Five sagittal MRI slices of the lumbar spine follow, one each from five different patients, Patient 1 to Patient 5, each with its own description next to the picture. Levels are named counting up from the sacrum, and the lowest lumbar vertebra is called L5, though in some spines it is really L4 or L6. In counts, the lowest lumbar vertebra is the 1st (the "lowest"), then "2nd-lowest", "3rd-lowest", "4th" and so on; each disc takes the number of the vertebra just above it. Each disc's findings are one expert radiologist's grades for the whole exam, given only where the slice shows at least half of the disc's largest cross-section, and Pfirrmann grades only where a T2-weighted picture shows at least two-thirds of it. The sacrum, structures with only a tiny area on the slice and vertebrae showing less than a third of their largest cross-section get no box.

Patient 1 of 5:
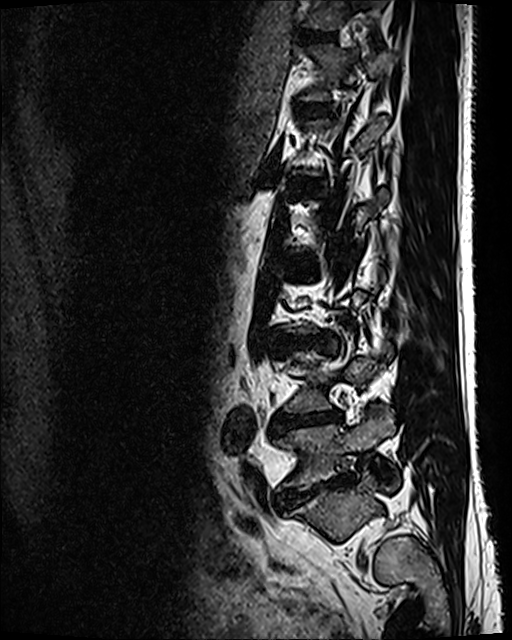 Sagittal T2 SPACE (3D) lumbar spine MRI | Patient sex: M

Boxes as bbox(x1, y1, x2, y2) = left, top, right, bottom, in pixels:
T11/T12: bbox(296, 30, 335, 42)
IVD L5/S1: bbox(276, 479, 345, 505)
T12/L1: bbox(303, 105, 327, 112)
L5 vertebra: bbox(275, 413, 398, 491)
T11 vertebra: bbox(300, 0, 385, 31)
L4/L5: bbox(278, 411, 342, 428)
L3/L4: bbox(282, 338, 320, 345)

Radiological gradings:
• L4/L5: lower-endplate change, Modic type II, disc bulging, disc narrowing

Patient 2 of 5:
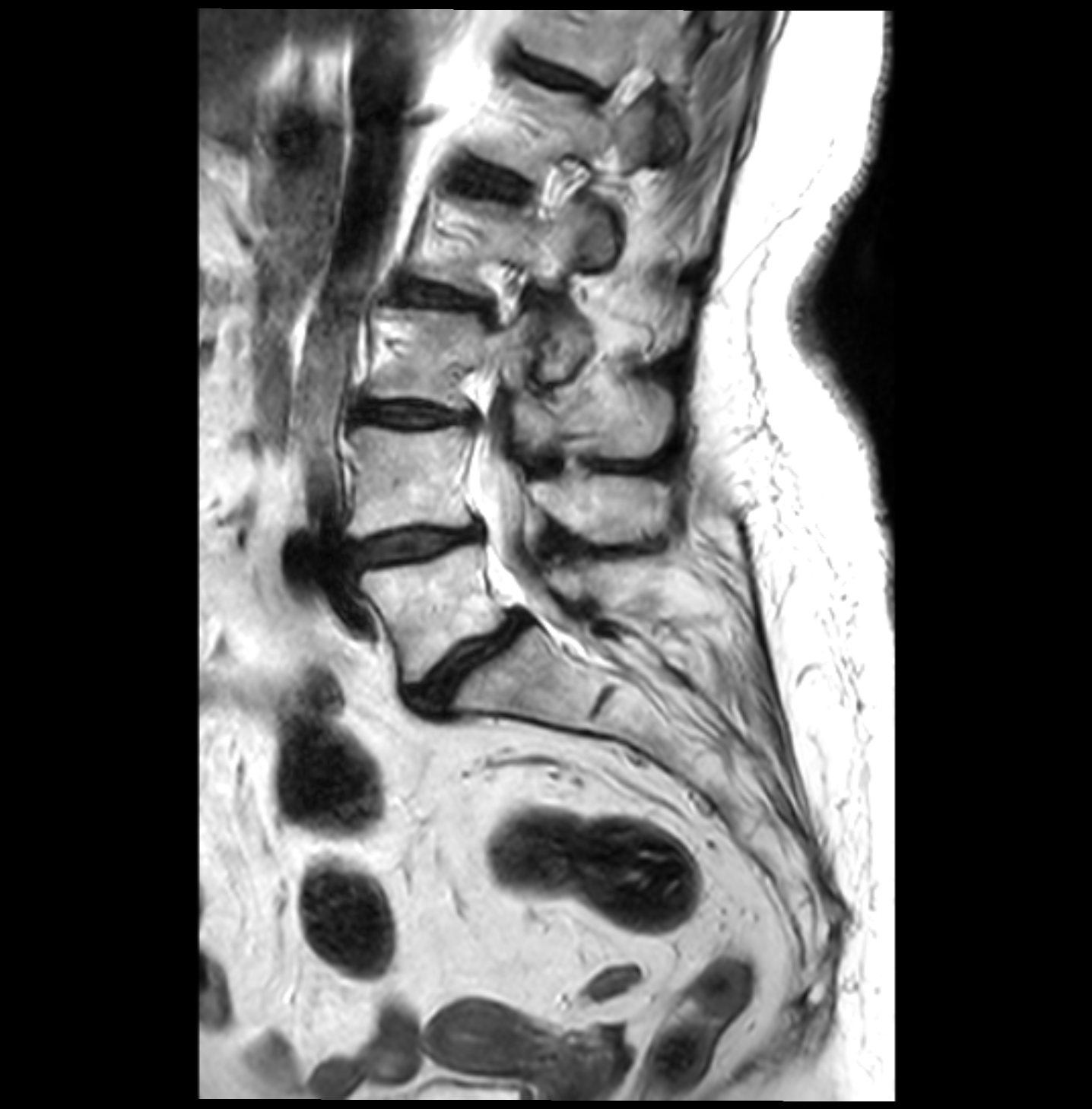 Sex F. Lumbar spine MR, T2-weighted, sagittal.
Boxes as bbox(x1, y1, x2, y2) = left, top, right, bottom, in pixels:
intervertebral disc L4/L5 = bbox(348, 525, 479, 575) | spinal canal = bbox(476, 14, 666, 635) | L1 = bbox(478, 78, 652, 266) | L1/L2 = bbox(464, 163, 518, 197) | intervertebral disc L5/S1 = bbox(411, 613, 528, 712) | L5 vertebra = bbox(360, 543, 638, 682) | L3 = bbox(370, 307, 671, 455) | L4 = bbox(348, 425, 671, 540) | intervertebral disc L2/L3 = bbox(401, 280, 485, 307) | T12 = bbox(525, 10, 683, 157) | T12/L1 = bbox(525, 61, 597, 95) | L3/L4 = bbox(362, 402, 479, 426) | L2 = bbox(425, 203, 681, 381)

Degenerative findings by level:
  L4/L5: Pfirrmann grade 3, Modic type II, disc narrowing, disc bulging
  L3/L4: Pfirrmann grade 3, disc bulging, disc narrowing, Modic type II
  L5/S1: Pfirrmann grade 4, Modic type II, spondylolisthesis, disc bulging, disc narrowing

Patient 3 of 5:
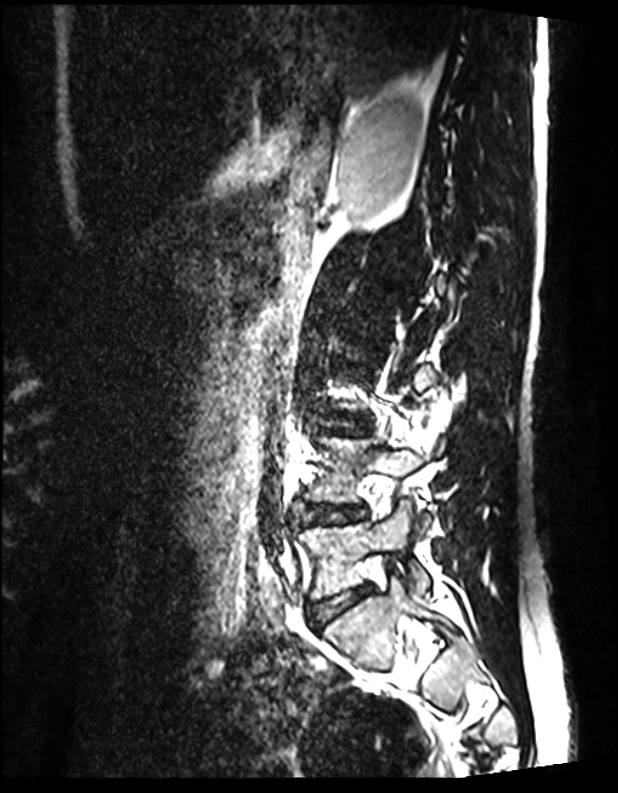 618x793 px. T2 SPACE (3D) sagittal MRI of the lumbar spine. Sagittal slice index 45. Sex M.
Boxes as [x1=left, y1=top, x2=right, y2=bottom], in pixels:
L4 (2nd-lowest vertebra): [x1=307, y1=435, x2=446, y2=534].
L4/L5 (2nd-lowest disc): [x1=303, y1=504, x2=360, y2=524].
IVD L5/S1 (lowest disc): [x1=309, y1=585, x2=371, y2=627].
L5 (lowest vertebra): [x1=296, y1=503, x2=429, y2=599].
IVD L3/L4 (3rd-lowest disc): [x1=320, y1=415, x2=370, y2=436].

Patient 4 of 5:
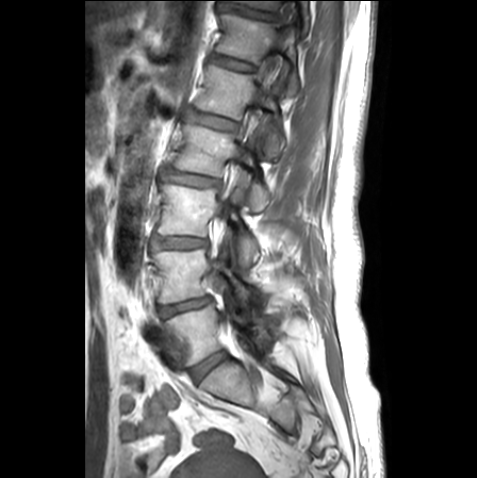 477x478 px, Patient sex: F, Lumbar spine MR, T1-weighted, sagittal, Slice spacing 3.3 mm
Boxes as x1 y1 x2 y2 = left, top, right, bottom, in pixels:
L5 vertebra = 167 302 270 365 | IVD L1/L2 = 189 110 237 130 | L3 = 159 175 259 265 | T11/T12 = 221 5 276 21 | L1 = 196 65 285 157 | T11 = 227 0 310 28 | IVD L2/L3 = 166 169 219 186 | IVD T12/L1 = 211 54 256 72 | IVD L4/L5 = 160 296 212 317 | IVD L5/S1 = 191 351 226 382 | IVD L3/L4 = 153 236 207 248 | L4 = 152 249 257 306 | thecal sac / spinal canal = 212 66 273 258 | T12 = 216 12 299 96 | L2 vertebra = 174 119 269 212

Radiological gradings:
- L4/L5: lower-endplate change, disc narrowing, disc bulging, upper-endplate change
- L1/L2: upper-endplate change, lower-endplate change
- L3/L4: disc narrowing, disc bulging
- T12/L1: upper-endplate change, lower-endplate change
- T11/T12: lower-endplate change, upper-endplate change, disc narrowing
- L2/L3: upper-endplate change, disc bulging, lower-endplate change
- L5/S1: no Modic or endplate change, herniation, narrowing, bulging or spondylolisthesis recorded

Patient 5 of 5:
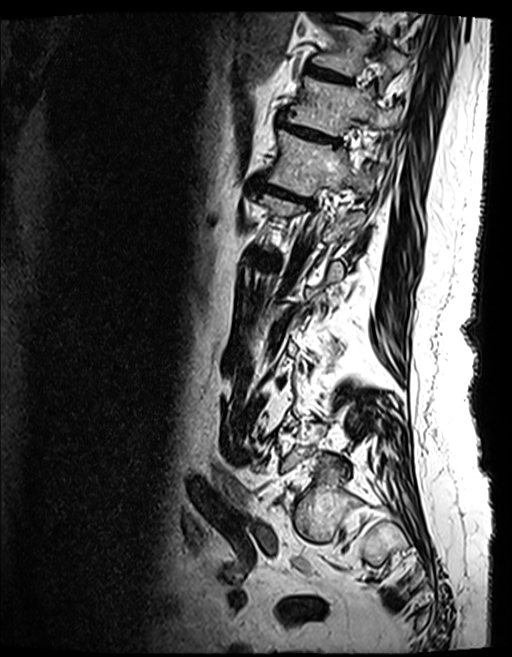 Patient sex: F | Sagittal T2 SPACE (3D) lumbar spine MRI

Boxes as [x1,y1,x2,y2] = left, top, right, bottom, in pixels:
• T12/L1 (6th disc) at [258,183,311,203]
• T10 (8th vertebra) at [310,21,406,82]
• T11 (7th vertebra) at [286,77,398,135]
• T11/T12 (7th disc) at [281,122,336,142]
• disc T9/T10 (9th disc) at [315,3,362,27]
• T12 (6th vertebra) at [265,129,366,195]
• disc T10/T11 (8th disc) at [305,66,350,82]

Degenerative findings by level:
- T9/T10 (9th disc): Pfirrmann grade 4, Modic type II, upper-endplate change, lower-endplate change, disc bulging
- T11/T12 (7th disc): Pfirrmann grade 5, lower-endplate change, disc narrowing, disc bulging, Modic type II, upper-endplate change
- T12/L1 (6th disc): Pfirrmann grade 4, disc narrowing, Modic type II, disc bulging, lower-endplate change, upper-endplate change
- T10/T11 (8th disc): Modic type II, lower-endplate change, upper-endplate change